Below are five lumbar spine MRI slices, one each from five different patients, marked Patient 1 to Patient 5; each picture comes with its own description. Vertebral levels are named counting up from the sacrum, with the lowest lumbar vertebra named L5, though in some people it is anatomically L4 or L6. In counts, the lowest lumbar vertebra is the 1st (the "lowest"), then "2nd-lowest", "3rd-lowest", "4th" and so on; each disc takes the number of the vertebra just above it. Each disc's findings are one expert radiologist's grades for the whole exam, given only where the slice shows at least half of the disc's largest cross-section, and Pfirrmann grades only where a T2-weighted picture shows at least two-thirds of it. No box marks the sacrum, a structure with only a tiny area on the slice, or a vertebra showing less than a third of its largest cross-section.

Patient 1 of 5:
T2-weighted sagittal MRI of the lumbar spine. Slice 15 of 21. SIEMENS Avanto_fit (1.5T).

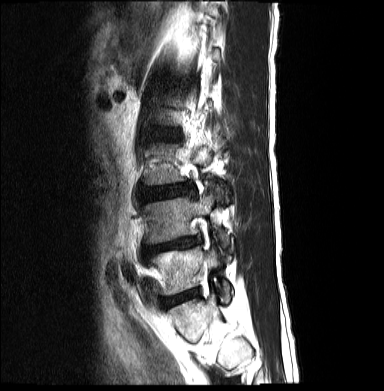
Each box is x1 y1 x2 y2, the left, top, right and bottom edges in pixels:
L4/L5 (2nd-lowest disc) at 143 236 201 258, L4 (2nd-lowest vertebra) at 144 192 229 246, L3/L4 (3rd-lowest disc) at 141 185 194 201, L5 (lowest vertebra) at 150 247 231 304, L5/S1 (lowest disc) at 162 290 195 306.

Expert MSK radiologist gradings (per disc):
  L4/L5 (2nd-lowest disc): Pfirrmann grade 5, disc narrowing, Modic type II, disc herniation, upper-endplate change, disc bulging, lower-endplate change
  L3/L4 (3rd-lowest disc): Pfirrmann grade 3, disc bulging, disc narrowing

Patient 2 of 5:
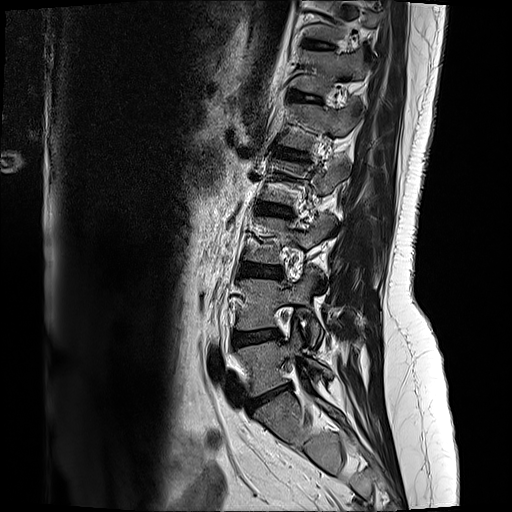

Sex F; Field of view 300x300 mm, slice spacing 3.3 mm; T2-weighted sagittal MRI of the lumbar spine; Slice 4 of 17

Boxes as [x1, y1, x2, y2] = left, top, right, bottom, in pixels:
L5/S1 at [247, 387, 289, 413], L2 vertebra at [261, 160, 348, 205], T12/L1 at [290, 91, 320, 102], L5 vertebra at [236, 331, 332, 397], L1 vertebra at [281, 103, 358, 149], L1/L2 at [274, 147, 306, 158], T11/T12 at [306, 40, 333, 50], L4 at [236, 268, 319, 345], intervertebral disc L4/L5 at [231, 331, 281, 346], L2/L3 at [254, 204, 293, 217], intervertebral disc L3/L4 at [238, 264, 283, 278], T12 vertebra at [297, 51, 366, 94], L3 at [246, 218, 331, 263].

Per-level radiological findings:
• L2/L3: disc bulging, upper-endplate change, lower-endplate change
• T12/L1: lower-endplate change, upper-endplate change
• L4/L5: disc bulging
• L3/L4: disc bulging
• L1/L2: lower-endplate change, upper-endplate change
• T11/T12: no herniation, bulging, narrowing, spondylolisthesis, endplate or Modic change recorded

Patient 3 of 5:
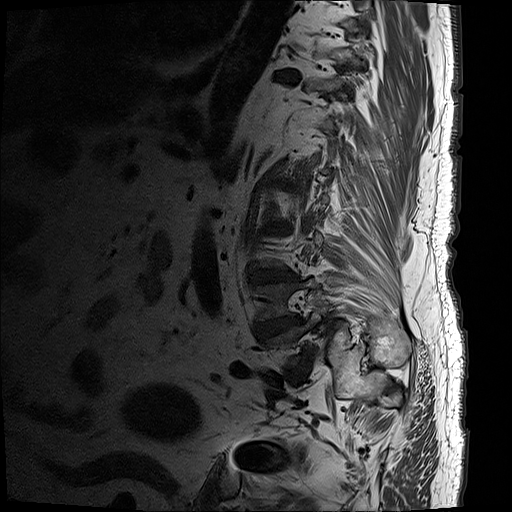
Lumbar spine MR, T1-weighted, sagittal; Patient sex: M
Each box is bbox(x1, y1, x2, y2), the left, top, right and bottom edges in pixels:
5th disc at bbox(267, 179, 298, 189).
Lowest disc at bbox(287, 350, 311, 381).
Lowest vertebra at bbox(263, 305, 319, 364).
4th disc at bbox(263, 220, 291, 232).
3rd-lowest disc at bbox(249, 268, 293, 285).
2nd-lowest vertebra at bbox(253, 278, 317, 321).
2nd-lowest disc at bbox(253, 315, 304, 341).
8th disc at bbox(271, 70, 299, 83).

Per-level radiological findings:
• 2nd-lowest disc: Modic type II, lower-endplate change, disc narrowing, upper-endplate change, disc bulging
• 3rd-lowest disc: Modic type II, lower-endplate change, upper-endplate change, disc bulging, disc narrowing
• lowest disc: disc narrowing, disc bulging, Modic type II, spondylolisthesis, upper-endplate change, lower-endplate change

Patient 4 of 5:
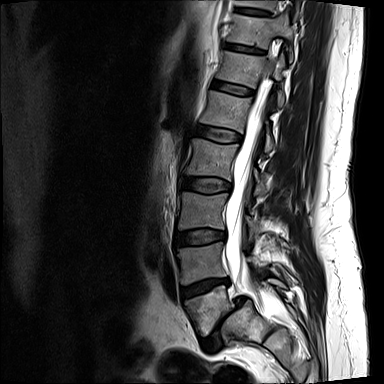 Lumbar spine MR, T2-weighted, sagittal

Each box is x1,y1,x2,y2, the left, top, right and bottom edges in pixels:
L4 (2nd-lowest vertebra) at 177,242,263,284.
L5/S1 (lowest disc) at 204,297,246,351.
L2 (4th vertebra) at 186,139,267,196.
IVD L1/L2 (5th disc) at 195,125,241,141.
T11 (7th vertebra) at 228,14,294,59.
T11/T12 (7th disc) at 224,43,262,53.
L3 (3rd-lowest vertebra) at 178,192,260,238.
T10/T11 (8th disc) at 236,7,268,15.
L5 (lowest vertebra) at 185,278,285,336.
IVD L4/L5 (2nd-lowest disc) at 181,278,229,299.
T12/L1 (6th disc) at 212,81,251,94.
Thecal sac / spinal canal at 225,71,276,307.
IVD L2/L3 (4th disc) at 183,178,231,192.
T10 (8th vertebra) at 236,0,276,9.
L1 (5th vertebra) at 201,91,274,152.
T12 (6th vertebra) at 217,52,284,106.
L3/L4 (3rd-lowest disc) at 176,229,225,245.

Expert MSK radiologist gradings (per disc):
- L3/L4 (3rd-lowest disc): Pfirrmann grade 2, disc bulging
- T10/T11 (8th disc): upper-endplate change
- T12/L1 (6th disc): Pfirrmann grade 2
- L5/S1 (lowest disc): Pfirrmann grade 5, disc bulging, Modic type II, disc narrowing, upper-endplate change, spondylolisthesis, lower-endplate change
- T11/T12 (7th disc): Pfirrmann grade 3, lower-endplate change, disc narrowing
- L1/L2 (5th disc): Pfirrmann grade 2, disc bulging
- L2/L3 (4th disc): Pfirrmann grade 2, disc bulging
- L4/L5 (2nd-lowest disc): Pfirrmann grade 4, lower-endplate change, Modic type II, disc herniation, disc narrowing, upper-endplate change

Patient 5 of 5:
512x640 px | Sagittal slice index 53 | T2 SPACE (3D) sagittal MRI of the lumbar spine
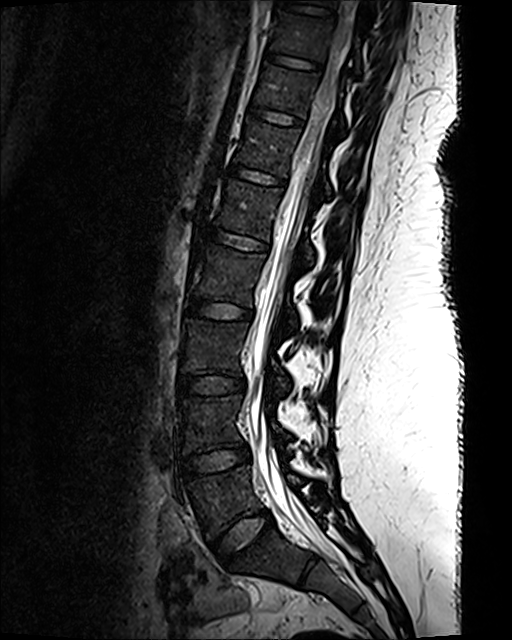 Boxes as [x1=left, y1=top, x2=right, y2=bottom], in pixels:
4th vertebra: [x1=192, y1=246, x2=298, y2=324].
6th disc: [x1=229, y1=165, x2=284, y2=185].
2nd-lowest vertebra: [x1=179, y1=395, x2=292, y2=452].
7th disc: [x1=249, y1=106, x2=302, y2=126].
5th disc: [x1=206, y1=229, x2=267, y2=250].
7th vertebra: [x1=254, y1=65, x2=344, y2=131].
Lowest vertebra: [x1=187, y1=466, x2=305, y2=535].
Thecal sac / spinal canal: [x1=249, y1=0, x2=357, y2=560].
3rd-lowest vertebra: [x1=181, y1=318, x2=290, y2=390].
5th vertebra: [x1=215, y1=180, x2=315, y2=262].
6th vertebra: [x1=235, y1=120, x2=331, y2=196].
Lowest disc: [x1=211, y1=509, x2=273, y2=565].
4th disc: [x1=186, y1=298, x2=252, y2=319].
3rd-lowest disc: [x1=178, y1=375, x2=245, y2=395].
8th disc: [x1=265, y1=51, x2=320, y2=69].
8th vertebra: [x1=271, y1=11, x2=361, y2=72].
2nd-lowest disc: [x1=182, y1=445, x2=250, y2=478].

Per-level radiological findings:
  lowest disc: Pfirrmann grade 1
  5th disc: Pfirrmann grade 1
  6th disc: Pfirrmann grade 1
  7th disc: Pfirrmann grade 1
  4th disc: Pfirrmann grade 1
  8th disc: Pfirrmann grade 1
  3rd-lowest disc: Pfirrmann grade 1
  2nd-lowest disc: Pfirrmann grade 1